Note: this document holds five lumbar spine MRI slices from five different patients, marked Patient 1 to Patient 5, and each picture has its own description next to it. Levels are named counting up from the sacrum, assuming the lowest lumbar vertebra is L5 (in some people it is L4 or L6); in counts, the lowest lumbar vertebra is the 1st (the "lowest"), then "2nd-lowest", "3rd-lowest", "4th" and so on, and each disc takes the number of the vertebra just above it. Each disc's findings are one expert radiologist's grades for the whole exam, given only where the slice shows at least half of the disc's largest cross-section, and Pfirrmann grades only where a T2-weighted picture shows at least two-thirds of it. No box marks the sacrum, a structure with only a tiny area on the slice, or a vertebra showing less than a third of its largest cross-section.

Patient 1 of 5:
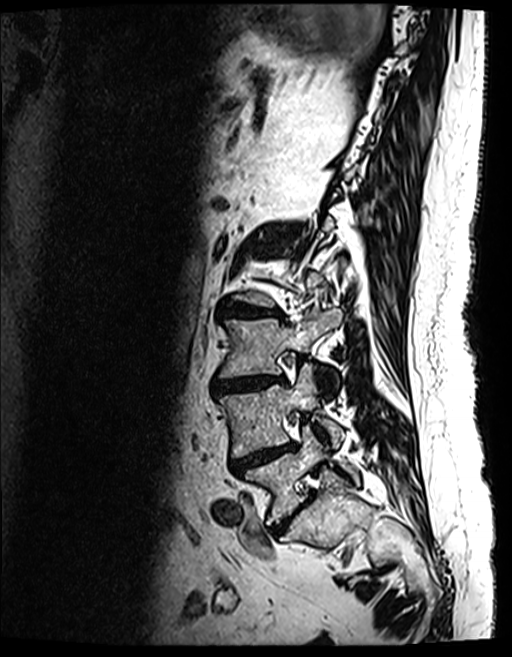 MRI lumbar spine (T2 SPACE (3D)), sagittal plane
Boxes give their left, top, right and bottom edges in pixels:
disc L4/L5: left=230, top=443, right=293, bottom=473
L4 vertebra: left=218, top=363, right=343, bottom=457
L2/L3: left=221, top=303, right=279, bottom=316
L5: left=242, top=427, right=359, bottom=523
L5/S1: left=272, top=502, right=305, bottom=533
L3 vertebra: left=218, top=309, right=342, bottom=377
disc L3/L4: left=214, top=376, right=284, bottom=390

Per-level radiological findings:
• L2/L3: Pfirrmann grade 4, lower-endplate change, disc narrowing, Modic type II, disc bulging, upper-endplate change
• L3/L4: Pfirrmann grade 4, disc bulging, upper-endplate change, Modic type II, disc narrowing, lower-endplate change
• L4/L5: Pfirrmann grade 5, disc bulging, lower-endplate change, disc narrowing, upper-endplate change, Modic type II

Patient 2 of 5:
Sagittal slice index 3 | Image 767x778 | Lumbar spine MR, T2-weighted, sagittal 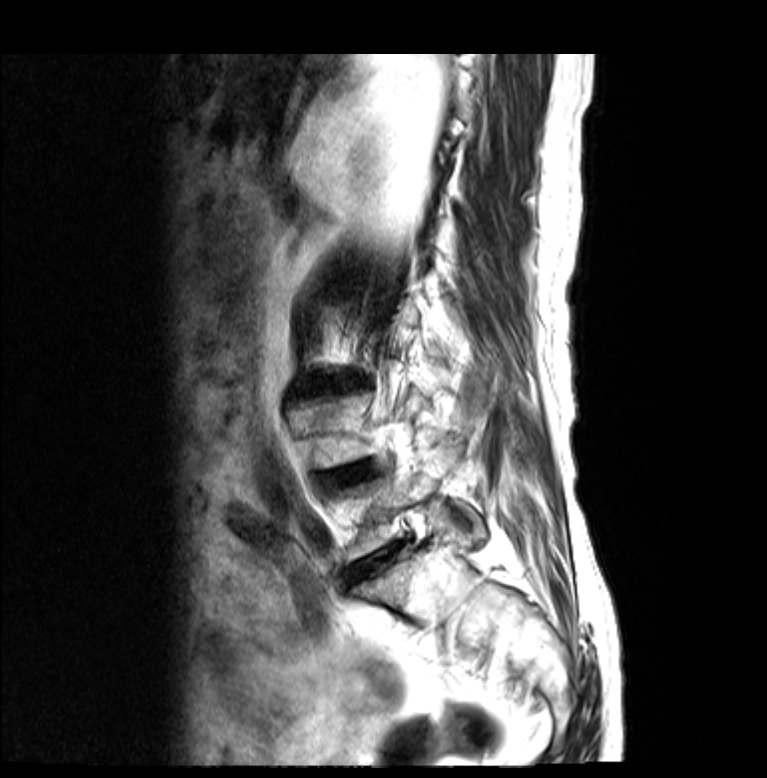

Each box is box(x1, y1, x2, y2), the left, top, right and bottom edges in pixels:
disc L5/S1: box(345, 543, 402, 584) | disc L4/L5: box(321, 463, 376, 486)

Patient 3 of 5:
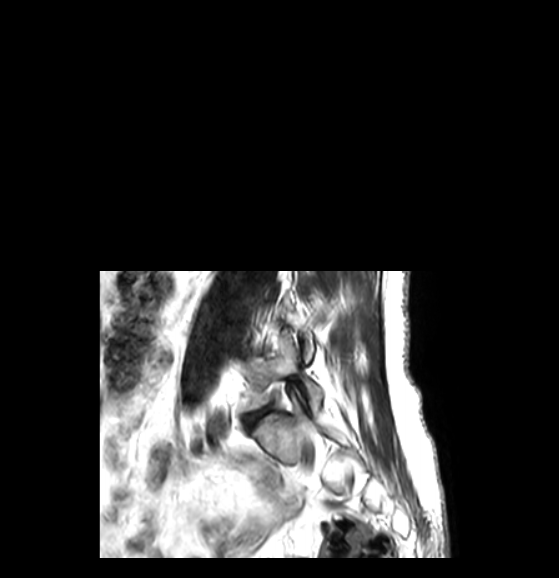

Sagittal T2-weighted lumbar spine MRI, 559x578 px, Slice 14 of 50, Slice spacing 3.3 mm, Patient sex: F

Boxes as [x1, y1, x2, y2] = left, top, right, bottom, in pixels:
Lowest disc = [247, 408, 269, 423].
Lowest vertebra = [248, 337, 322, 411].

Patient 4 of 5:
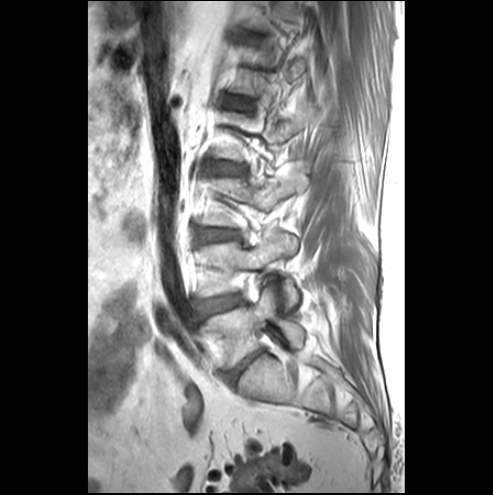 Sagittal T1-weighted lumbar spine MRI | Sex M | Slice 7 of 25
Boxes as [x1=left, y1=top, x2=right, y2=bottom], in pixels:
L3/L4 at [x1=198, y1=229, x2=237, y2=240], IVD L4/L5 at [x1=197, y1=294, x2=241, y2=311], L2/L3 at [x1=207, y1=162, x2=242, y2=173], L4 vertebra at [x1=198, y1=230, x2=297, y2=308], L5 at [x1=201, y1=286, x2=304, y2=366], IVD L5/S1 at [x1=230, y1=350, x2=261, y2=381], L1/L2 at [x1=224, y1=97, x2=249, y2=106].

Patient 5 of 5:
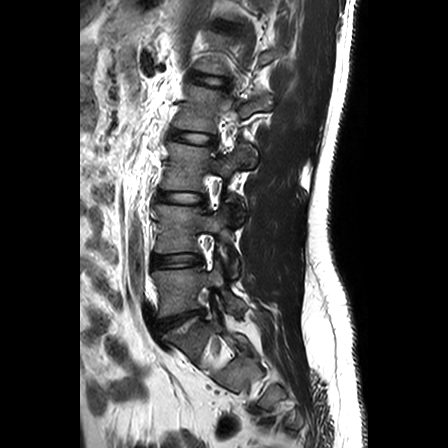 MRI lumbar spine (T2-weighted), sagittal plane; Image 448x448
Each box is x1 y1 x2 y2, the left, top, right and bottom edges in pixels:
5th disc at 190 72 224 85, 3rd-lowest disc at 157 192 205 203, lowest vertebra at 152 262 245 317, 3rd-lowest vertebra at 161 142 257 221, lowest disc at 159 310 205 330, 2nd-lowest vertebra at 155 205 240 278, 2nd-lowest disc at 152 254 202 267, 4th vertebra at 174 83 273 132, 4th disc at 171 129 214 144.

Radiological gradings:
  4th disc: Pfirrmann grade 1
  3rd-lowest disc: Pfirrmann grade 1
  2nd-lowest disc: Pfirrmann grade 1
  5th disc: no spondylolisthesis, narrowing, bulging, herniation, Modic or endplate change recorded